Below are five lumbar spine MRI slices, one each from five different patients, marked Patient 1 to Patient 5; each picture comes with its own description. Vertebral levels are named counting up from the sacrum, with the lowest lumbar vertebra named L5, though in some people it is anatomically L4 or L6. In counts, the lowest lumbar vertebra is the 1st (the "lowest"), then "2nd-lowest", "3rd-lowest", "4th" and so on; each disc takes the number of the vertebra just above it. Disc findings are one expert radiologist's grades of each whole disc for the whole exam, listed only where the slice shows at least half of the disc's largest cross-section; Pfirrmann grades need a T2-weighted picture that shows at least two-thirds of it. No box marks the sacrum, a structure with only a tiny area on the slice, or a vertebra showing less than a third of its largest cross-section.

Patient 1 of 5:
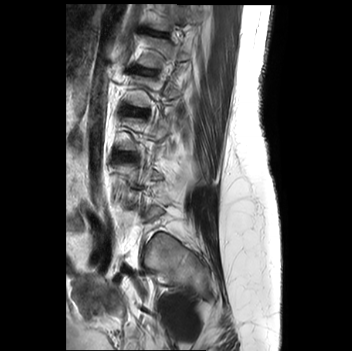 352x351 px, Field of view 286x285 mm, slice spacing 3.2 mm, T2-weighted sagittal MRI of the lumbar spine
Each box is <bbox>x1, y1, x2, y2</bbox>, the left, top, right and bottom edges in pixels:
• L1 (5th vertebra) = <bbox>139, 37, 190, 67</bbox>
• L1/L2 (5th disc) = <bbox>135, 66, 151, 73</bbox>
• L3/L4 (3rd-lowest disc) = <bbox>114, 152, 128, 159</bbox>
• disc L2/L3 (4th disc) = <bbox>122, 106, 146, 114</bbox>
• T12 (6th vertebra) = <bbox>153, 4, 201, 30</bbox>

Radiological gradings:
- L2/L3 (4th disc): no Modic or endplate change, herniation, narrowing, bulging or spondylolisthesis recorded

Patient 2 of 5:
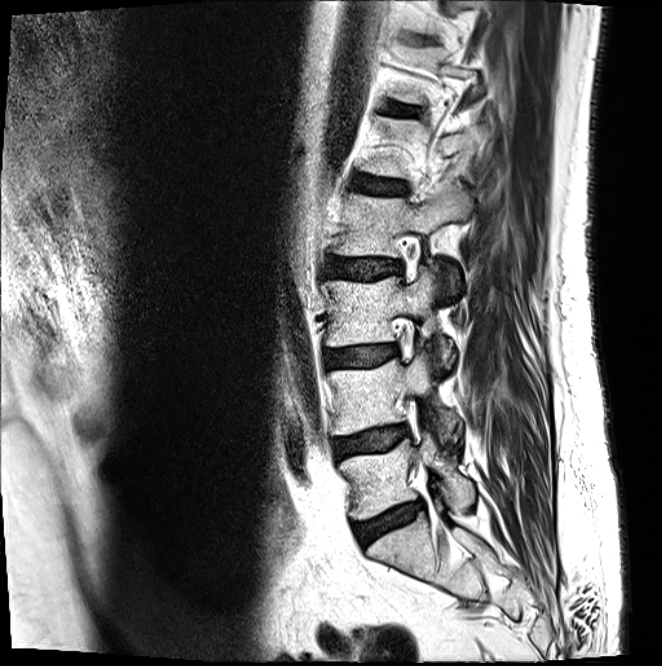

Sagittal T2-weighted lumbar spine MRI; Field of view 300x302 mm, slice spacing 3.3 mm

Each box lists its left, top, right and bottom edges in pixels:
L3 (3rd-lowest vertebra) at left=327, top=265, right=454, bottom=369; intervertebral disc L1/L2 (5th disc) at left=353, top=176, right=406, bottom=194; L4 (2nd-lowest vertebra) at left=329, top=349, right=458, bottom=440; L5/S1 (lowest disc) at left=354, top=500, right=423, bottom=545; L2 (4th vertebra) at left=336, top=185, right=472, bottom=288; L3/L4 (3rd-lowest disc) at left=325, top=345, right=397, bottom=367; L5 (lowest vertebra) at left=340, top=430, right=474, bottom=520; intervertebral disc T12/L1 (6th disc) at left=387, top=103, right=414, bottom=115; intervertebral disc L2/L3 (4th disc) at left=327, top=258, right=401, bottom=278; intervertebral disc L4/L5 (2nd-lowest disc) at left=336, top=424, right=408, bottom=457.

Degenerative findings by level:
- L2/L3 (4th disc): Pfirrmann grade 3, disc bulging
- L4/L5 (2nd-lowest disc): Pfirrmann grade 2, disc bulging, Modic type II
- L5/S1 (lowest disc): Pfirrmann grade 3, disc bulging, disc narrowing, Modic type II
- L3/L4 (3rd-lowest disc): Pfirrmann grade 2, Modic type II, disc bulging
- L1/L2 (5th disc): disc bulging

Patient 3 of 5:
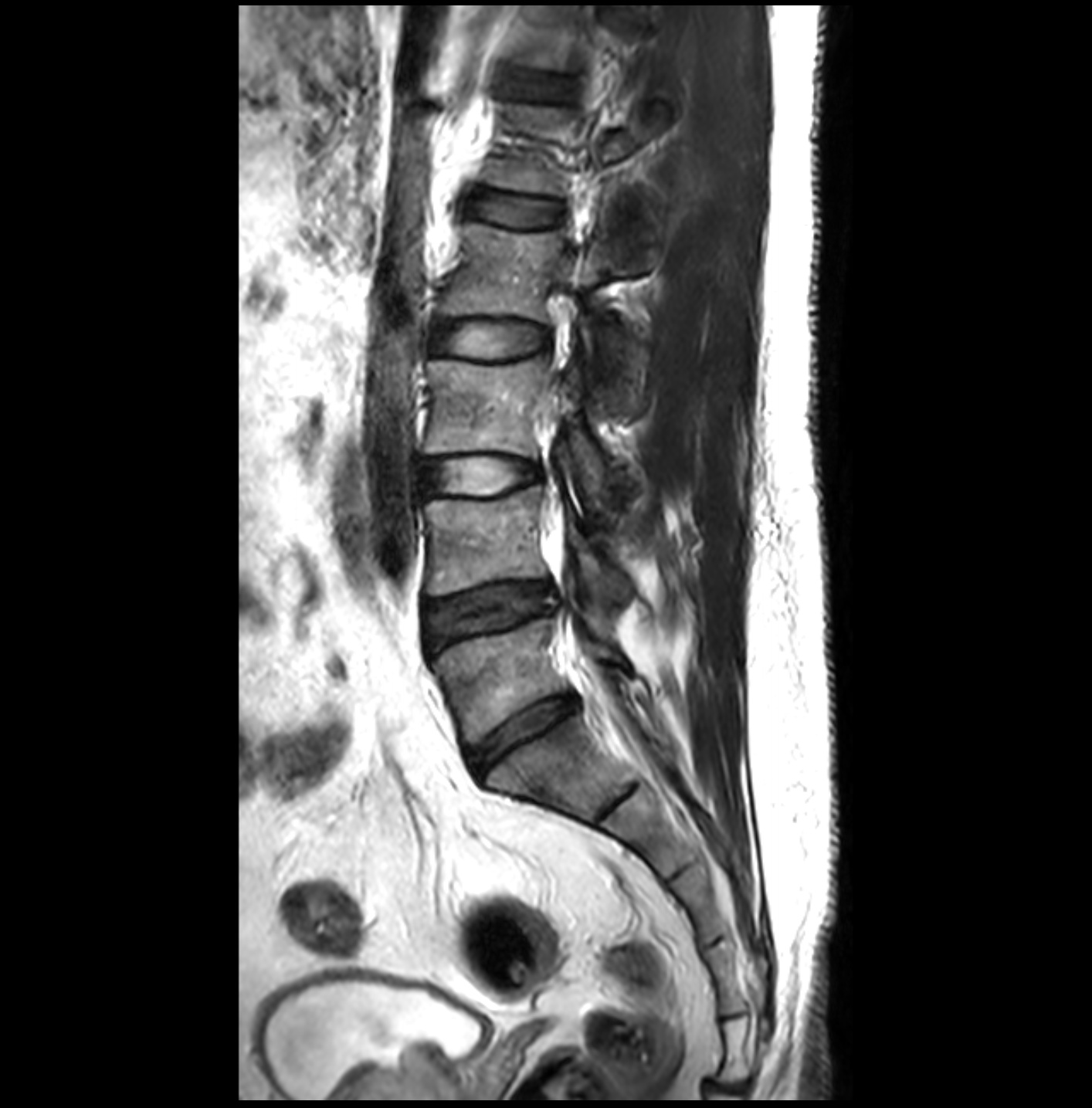
Sagittal T2-weighted lumbar spine MRI, Sex M

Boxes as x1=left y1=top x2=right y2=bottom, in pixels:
L4: x1=423 y1=486 x2=629 y2=598 | intervertebral disc T12/L1: x1=529 y1=87 x2=550 y2=98 | intervertebral disc L4/L5: x1=426 y1=582 x2=550 y2=648 | L3 vertebra: x1=423 y1=358 x2=602 y2=493 | L5/S1: x1=467 y1=695 x2=578 y2=774 | L2: x1=439 y1=223 x2=640 y2=409 | thecal sac / spinal canal: x1=558 y1=505 x2=596 y2=669 | intervertebral disc L2/L3: x1=430 y1=322 x2=548 y2=356 | L3/L4: x1=418 y1=459 x2=540 y2=496 | L5: x1=433 y1=617 x2=620 y2=745 | L1/L2: x1=466 y1=192 x2=562 y2=226

Radiological gradings:
• L1/L2: Pfirrmann grade 1
• L5/S1: Pfirrmann grade 3
• L3/L4: Pfirrmann grade 1
• L4/L5: Pfirrmann grade 3, disc herniation
• L2/L3: Pfirrmann grade 1

Patient 4 of 5:
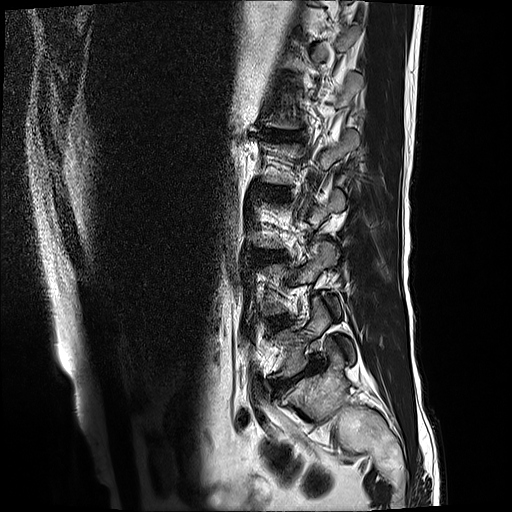 512x512 px | Lumbar spine MR, T2-weighted, sagittal | Slice 17/17 | Field of view 300x300 mm, slice spacing 3.3 mm
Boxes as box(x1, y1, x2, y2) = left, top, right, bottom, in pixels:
L1/L2 (5th disc) — box(265, 130, 300, 140).
Intervertebral disc L4/L5 (2nd-lowest disc) — box(270, 318, 281, 326).
L5/S1 (lowest disc) — box(273, 358, 320, 389).
Intervertebral disc L3/L4 (3rd-lowest disc) — box(266, 252, 285, 261).
L5 (lowest vertebra) — box(270, 297, 354, 377).
L2/L3 (4th disc) — box(267, 186, 285, 199).

Patient 5 of 5:
T2 SPACE (3D) sagittal MRI of the lumbar spine. Field of view 240x300 mm, slice spacing 0.9 mm.

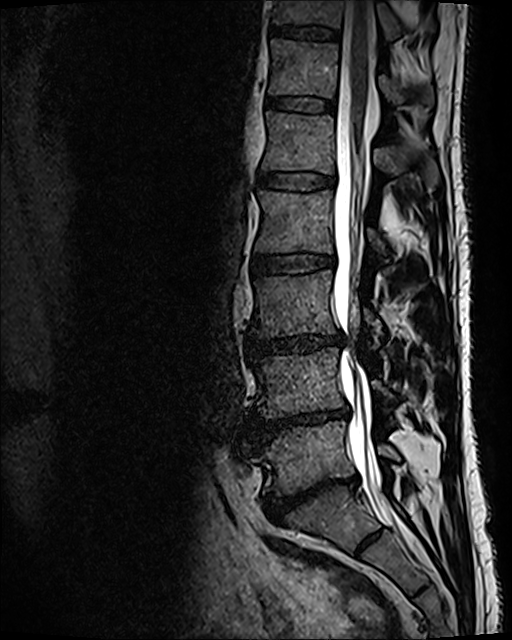 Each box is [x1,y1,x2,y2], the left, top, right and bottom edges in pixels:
Thecal sac / spinal canal: [333,1,396,522].
T12: [269,39,433,106].
L4 vertebra: [254,347,394,418].
T11: [273,0,436,42].
L5 vertebra: [254,421,399,495].
L3/L4: [248,334,342,353].
Disc T11/T12: [269,25,337,39].
L3: [251,270,381,341].
Disc L2/L3: [253,255,334,274].
Disc L1/L2: [259,172,334,190].
Disc L5/S1: [261,475,358,520].
L1: [262,111,438,189].
L2 vertebra: [256,189,385,266].
T12/L1: [267,95,334,111].
L4/L5: [253,407,348,443].

Expert MSK radiologist gradings (per disc):
  L1/L2: Pfirrmann grade 2
  L3/L4: Pfirrmann grade 3, disc bulging, disc narrowing
  L5/S1: Pfirrmann grade 5, spondylolisthesis, disc bulging, disc narrowing, lower-endplate change
  L2/L3: Pfirrmann grade 2
  T12/L1: Pfirrmann grade 2
  T11/T12: Pfirrmann grade 2
  L4/L5: Pfirrmann grade 5, Modic type II, disc narrowing, disc bulging, lower-endplate change